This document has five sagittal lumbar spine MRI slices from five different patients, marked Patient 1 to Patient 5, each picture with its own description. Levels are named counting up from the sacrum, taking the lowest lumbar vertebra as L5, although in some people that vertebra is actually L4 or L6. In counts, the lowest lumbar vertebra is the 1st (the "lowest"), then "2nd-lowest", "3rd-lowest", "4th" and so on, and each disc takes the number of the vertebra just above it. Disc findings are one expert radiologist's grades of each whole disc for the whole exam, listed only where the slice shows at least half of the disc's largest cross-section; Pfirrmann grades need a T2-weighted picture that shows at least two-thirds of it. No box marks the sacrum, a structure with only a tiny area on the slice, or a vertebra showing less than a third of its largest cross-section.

Patient 1 of 5:
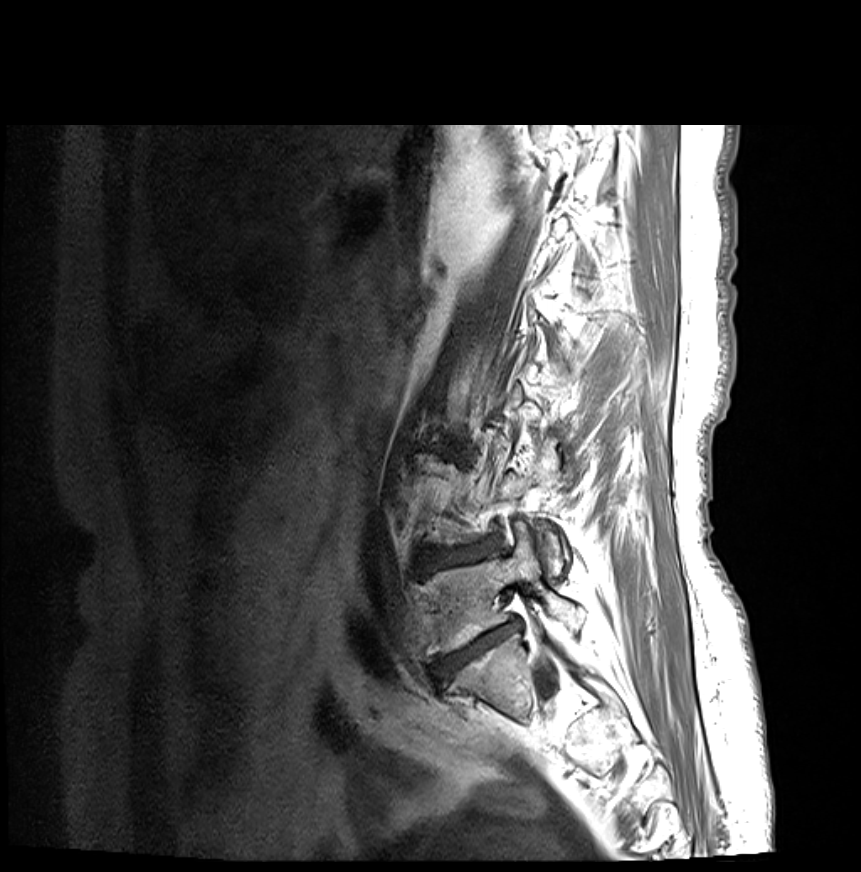 MRI lumbar spine (T1-weighted), sagittal plane | Sagittal slice index 5
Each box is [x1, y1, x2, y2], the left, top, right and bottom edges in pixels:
IVD L5/S1 at [430, 621, 519, 680] | L4/L5 at [417, 541, 495, 575] | L5 vertebra at [415, 523, 581, 658]

Expert MSK radiologist gradings (per disc):
- L4/L5: upper-endplate change, disc narrowing, lower-endplate change, Modic type II, disc herniation, disc bulging
- L5/S1: lower-endplate change, Modic type II, disc bulging, disc narrowing, upper-endplate change

Patient 2 of 5:
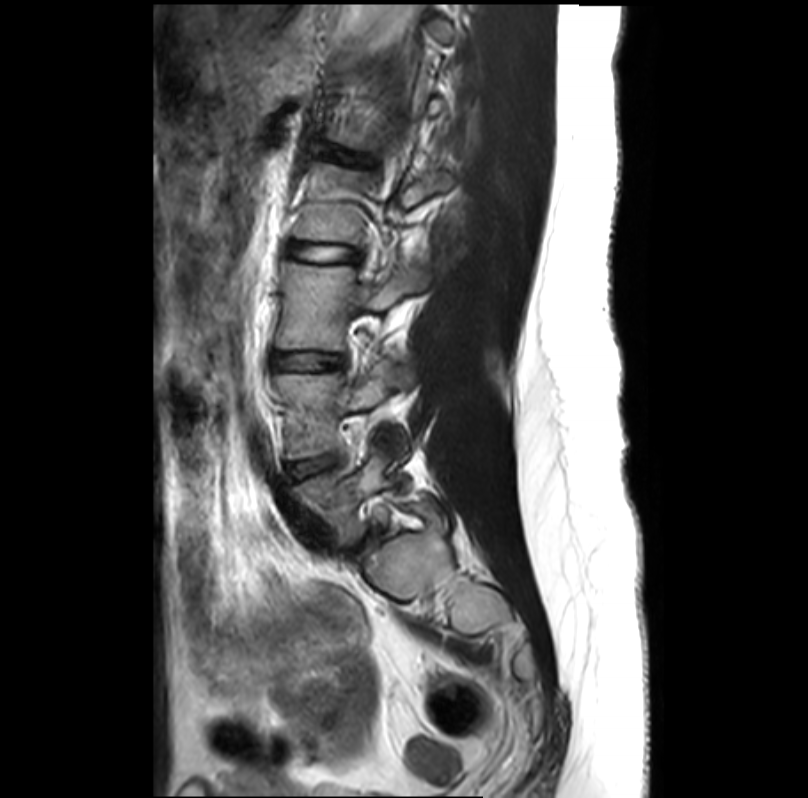
Sex F | MRI lumbar spine (T2-weighted), sagittal plane
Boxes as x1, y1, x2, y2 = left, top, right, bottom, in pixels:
Intervertebral disc L4/L5 (2nd-lowest disc) at 287, 455, 337, 475; L2 (4th vertebra) at 294, 165, 451, 244; L4 (2nd-lowest vertebra) at 275, 361, 405, 460; L2/L3 (4th disc) at 287, 243, 355, 261; intervertebral disc L1/L2 (5th disc) at 310, 144, 370, 164; intervertebral disc L3/L4 (3rd-lowest disc) at 273, 352, 338, 367; L3 (3rd-lowest vertebra) at 277, 263, 427, 349; L5 (lowest vertebra) at 295, 449, 393, 540.

Degenerative findings by level:
- L3/L4 (3rd-lowest disc): disc bulging
- L1/L2 (5th disc), L2/L3 (4th disc): no herniation, bulging, narrowing, spondylolisthesis, endplate or Modic change recorded

Patient 3 of 5:
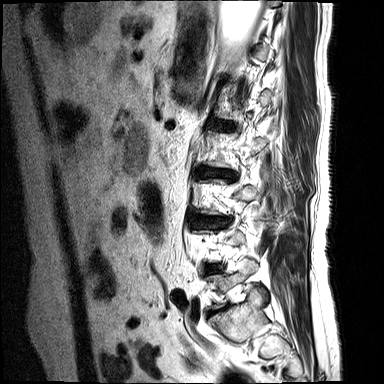
Image 384x384. Sagittal slice index 13. MRI lumbar spine (T2-weighted), sagittal plane.
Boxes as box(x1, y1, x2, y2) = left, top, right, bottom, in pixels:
4th disc at box(205, 169, 233, 178); 2nd-lowest disc at box(207, 265, 220, 272).

Expert MSK radiologist gradings (per disc):
  4th disc: lower-endplate change, disc narrowing, disc herniation, Modic type II

Patient 4 of 5:
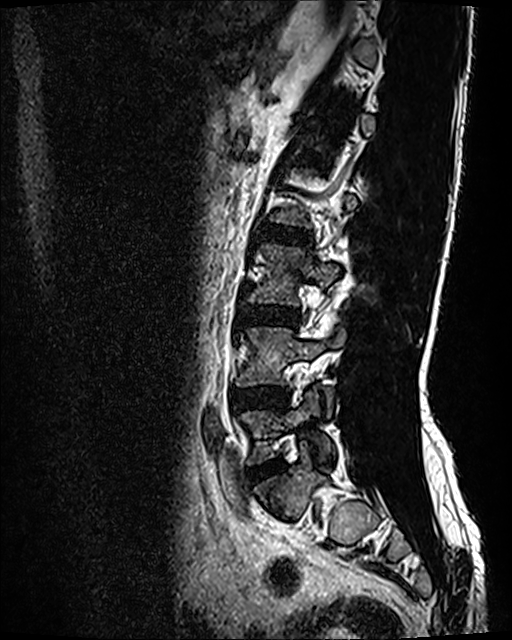 Sagittal T2 SPACE (3D) lumbar spine MRI
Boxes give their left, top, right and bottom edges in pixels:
- 3rd-lowest vertebra at left=248, top=245, right=339, bottom=304
- lowest disc at left=249, top=462, right=282, bottom=480
- 4th disc at left=267, top=228, right=308, bottom=244
- 3rd-lowest disc at left=243, top=305, right=297, bottom=324
- lowest vertebra at left=241, top=388, right=334, bottom=464
- 5th disc at left=306, top=155, right=319, bottom=159
- 2nd-lowest disc at left=234, top=389, right=283, bottom=408
- 2nd-lowest vertebra at left=237, top=327, right=346, bottom=412

Radiological gradings:
- 3rd-lowest disc: disc bulging

Patient 5 of 5:
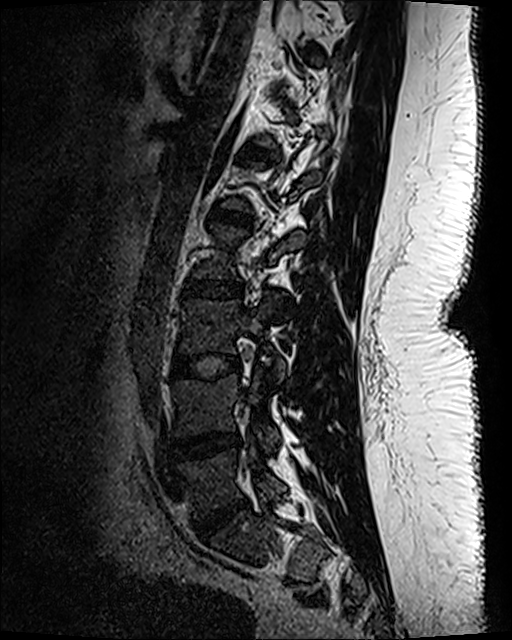

Sex F; MRI lumbar spine (T2 SPACE (3D)), sagittal plane; Image 512x640

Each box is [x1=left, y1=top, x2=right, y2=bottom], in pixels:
• 3rd-lowest disc = [x1=171, y1=353, x2=240, y2=378]
• 2nd-lowest vertebra = [x1=175, y1=374, x2=279, y2=449]
• 6th disc = [x1=242, y1=144, x2=268, y2=159]
• 4th disc = [x1=181, y1=276, x2=244, y2=298]
• 4th vertebra = [x1=194, y1=225, x2=305, y2=304]
• 2nd-lowest disc = [x1=173, y1=432, x2=239, y2=461]
• lowest vertebra = [x1=179, y1=447, x2=286, y2=516]
• 3rd-lowest vertebra = [x1=180, y1=300, x2=284, y2=379]
• 5th disc = [x1=207, y1=205, x2=254, y2=228]
• lowest disc = [x1=195, y1=498, x2=247, y2=536]

Radiological gradings:
  3rd-lowest disc: Pfirrmann grade 1
  2nd-lowest disc: Pfirrmann grade 3, disc narrowing, disc bulging
  lowest disc: Pfirrmann grade 4, disc narrowing, disc bulging
  4th disc: Pfirrmann grade 1
  5th disc: no Modic or endplate change, herniation, narrowing, bulging or spondylolisthesis recorded